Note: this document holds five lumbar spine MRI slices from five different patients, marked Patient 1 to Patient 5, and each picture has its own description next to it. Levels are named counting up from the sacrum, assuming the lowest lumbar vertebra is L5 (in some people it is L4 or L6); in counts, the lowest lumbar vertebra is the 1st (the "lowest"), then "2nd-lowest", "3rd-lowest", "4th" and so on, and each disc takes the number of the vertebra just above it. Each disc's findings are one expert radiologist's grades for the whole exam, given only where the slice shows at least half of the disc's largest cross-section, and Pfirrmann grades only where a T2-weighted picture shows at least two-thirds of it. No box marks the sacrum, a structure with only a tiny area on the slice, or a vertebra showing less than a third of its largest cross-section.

Patient 1 of 5:
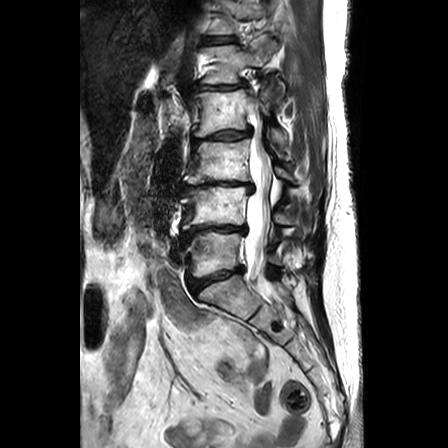

T2-weighted sagittal MRI of the lumbar spine | Field of view 280x280 mm
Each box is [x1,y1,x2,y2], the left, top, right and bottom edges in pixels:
Segmented structures:
* L2 = [192,89,285,144]
* L4/L5 = [181,226,246,242]
* L1 vertebra = [202,40,283,100]
* disc L1/L2 = [192,80,248,91]
* disc L3/L4 = [180,181,255,194]
* thecal sac / spinal canal = [245,107,273,294]
* L5 = [186,231,280,277]
* disc T12/L1 = [209,36,234,42]
* T12 = [211,0,266,33]
* L4 = [180,185,306,232]
* disc L2/L3 = [192,126,252,147]
* L3 = [183,138,293,183]
* L5/S1 = [188,267,243,293]

Expert MSK radiologist gradings (per disc):
  L2/L3: Pfirrmann grade 3, disc bulging, upper-endplate change, disc narrowing, lower-endplate change
  L4/L5: Pfirrmann grade 5, upper-endplate change, disc narrowing, disc bulging, lower-endplate change, Modic type II
  L1/L2: Pfirrmann grade 2, disc bulging
  L5/S1: Pfirrmann grade 3, disc narrowing, upper-endplate change, lower-endplate change, disc bulging
  L3/L4: upper-endplate change, disc bulging, lower-endplate change, disc narrowing, Modic type II

Patient 2 of 5:
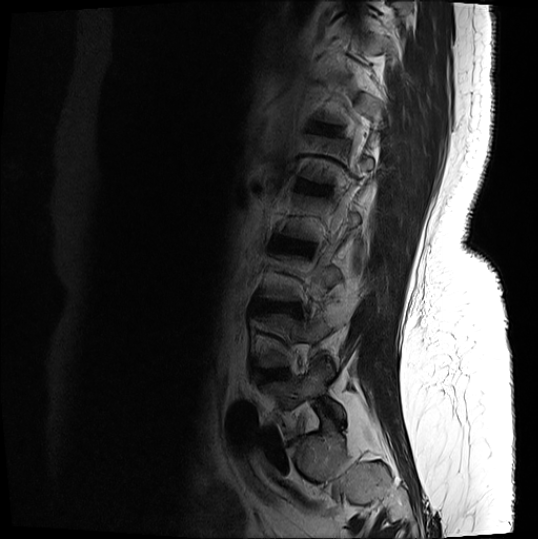 Slice 16/18 | T2-weighted sagittal MRI of the lumbar spine

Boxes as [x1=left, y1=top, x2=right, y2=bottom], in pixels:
L5: [x1=264, y1=360, x2=344, y2=419]
IVD T12/L1: [x1=312, y1=125, x2=336, y2=133]
IVD L1/L2: [x1=298, y1=182, x2=326, y2=193]
IVD L2/L3: [x1=275, y1=238, x2=312, y2=252]
L3/L4: [x1=261, y1=302, x2=300, y2=312]
L4: [x1=258, y1=306, x2=347, y2=367]
IVD L4/L5: [x1=259, y1=368, x2=289, y2=380]

Patient 3 of 5:
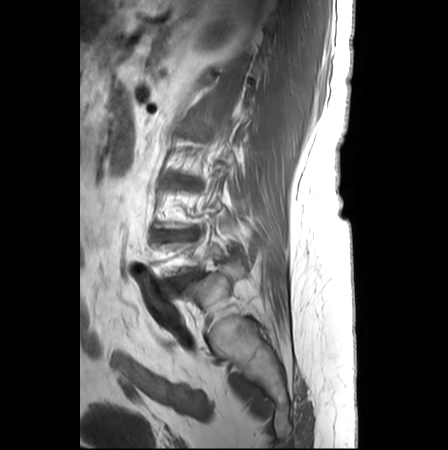
Slice 21 of 25. Field of view 280x281 mm, slice spacing 3.3 mm. Lumbar spine MR, T1-weighted, sagittal.
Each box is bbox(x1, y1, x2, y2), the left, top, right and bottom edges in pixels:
Annotations:
* L4/L5 (2nd-lowest disc) = bbox(158, 231, 192, 240)
* intervertebral disc L5/S1 (lowest disc) = bbox(173, 274, 194, 284)
* L3/L4 (3rd-lowest disc) = bbox(172, 178, 198, 188)

Per-level radiological findings:
• L3/L4 (3rd-lowest disc): Modic type II, upper-endplate change, lower-endplate change, disc narrowing, disc bulging

Patient 4 of 5:
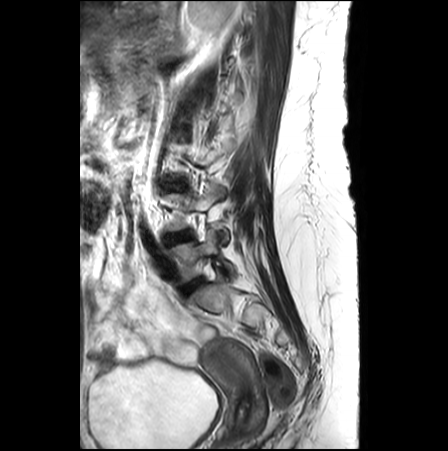 Image 448x451; MRI lumbar spine (T2-weighted), sagittal plane; Slice 19/26
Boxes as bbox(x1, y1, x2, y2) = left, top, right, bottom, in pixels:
Disc L3/L4 at bbox(166, 184, 185, 189); L4 at bbox(166, 183, 228, 243); disc L4/L5 at bbox(166, 230, 191, 243); L5 at bbox(170, 229, 234, 283); disc L5/S1 at bbox(182, 278, 201, 295).

Patient 5 of 5:
MRI lumbar spine (T2-weighted), sagittal plane, Sagittal slice index 5
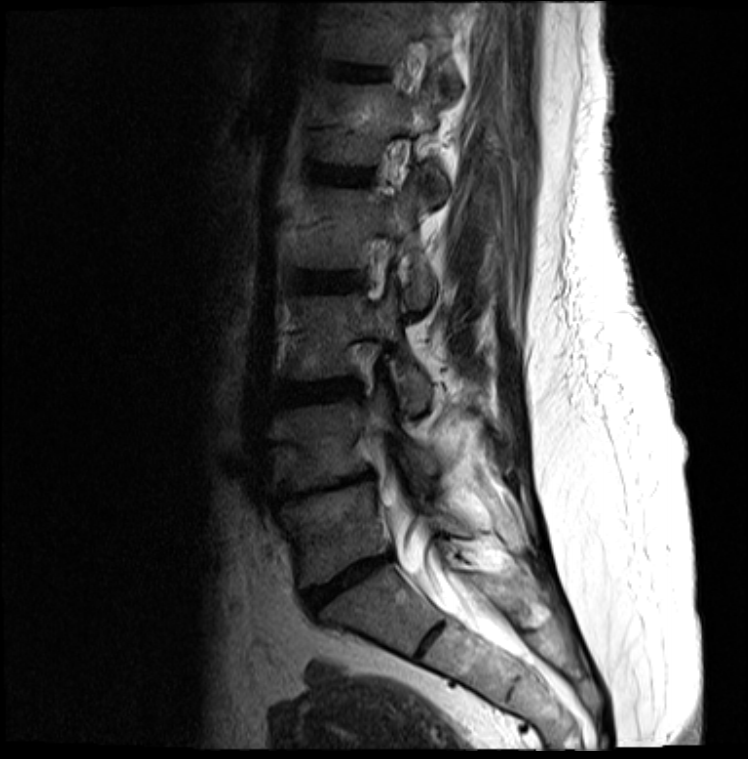

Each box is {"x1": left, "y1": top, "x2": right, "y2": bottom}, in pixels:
6th vertebra at {"x1": 341, "y1": 12, "x2": 459, "y2": 92}, 2nd-lowest disc at {"x1": 281, "y1": 474, "x2": 369, "y2": 501}, 3rd-lowest disc at {"x1": 279, "y1": 380, "x2": 358, "y2": 404}, 5th vertebra at {"x1": 322, "y1": 68, "x2": 447, "y2": 193}, lowest vertebra at {"x1": 281, "y1": 484, "x2": 469, "y2": 584}, 4th vertebra at {"x1": 298, "y1": 182, "x2": 434, "y2": 307}, 4th disc at {"x1": 294, "y1": 271, "x2": 360, "y2": 290}, 5th disc at {"x1": 314, "y1": 166, "x2": 367, "y2": 183}, lowest disc at {"x1": 308, "y1": 557, "x2": 387, "y2": 606}, 6th disc at {"x1": 329, "y1": 64, "x2": 381, "y2": 77}, 3rd-lowest vertebra at {"x1": 288, "y1": 287, "x2": 430, "y2": 411}, thecal sac / spinal canal at {"x1": 384, "y1": 483, "x2": 515, "y2": 653}, 2nd-lowest vertebra at {"x1": 275, "y1": 389, "x2": 439, "y2": 490}.

Degenerative findings by level:
• 4th disc: disc bulging
• 3rd-lowest disc: disc bulging
• lowest disc: Pfirrmann grade 5, disc narrowing, lower-endplate change, disc bulging, upper-endplate change
• 2nd-lowest disc: Pfirrmann grade 5, upper-endplate change, disc narrowing, disc bulging, lower-endplate change